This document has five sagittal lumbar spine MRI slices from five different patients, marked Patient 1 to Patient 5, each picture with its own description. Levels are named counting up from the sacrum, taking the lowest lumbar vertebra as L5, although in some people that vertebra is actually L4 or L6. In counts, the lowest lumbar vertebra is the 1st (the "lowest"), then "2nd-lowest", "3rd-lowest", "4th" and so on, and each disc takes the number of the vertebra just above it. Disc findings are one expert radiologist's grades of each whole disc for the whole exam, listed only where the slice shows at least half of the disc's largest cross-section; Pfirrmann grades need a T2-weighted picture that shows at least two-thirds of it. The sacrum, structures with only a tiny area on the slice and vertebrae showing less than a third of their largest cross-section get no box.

Patient 1 of 5:
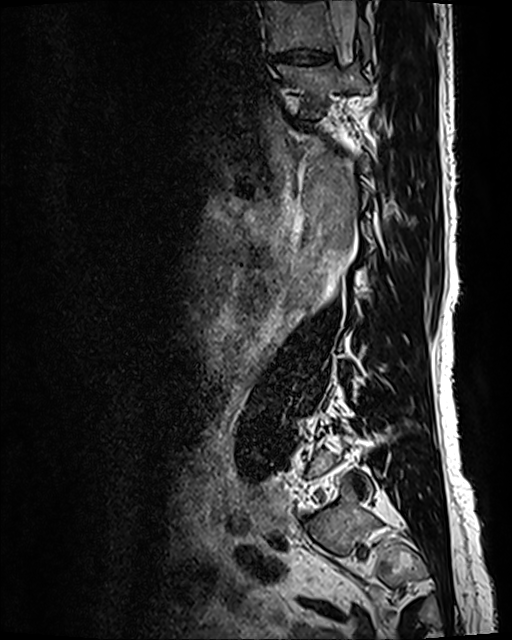 Sex F; Sagittal slice index 100; Sagittal T2 SPACE (3D) lumbar spine MRI
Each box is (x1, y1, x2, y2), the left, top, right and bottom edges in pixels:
T11 (7th vertebra) = (277, 61, 370, 117).
IVD T10/T11 (8th disc) = (268, 49, 331, 63).
T10 (8th vertebra) = (265, 2, 369, 58).
Thecal sac / spinal canal = (331, 1, 357, 47).

Radiological gradings:
- T10/T11 (8th disc): Pfirrmann grade 3, disc narrowing, disc bulging

Patient 2 of 5:
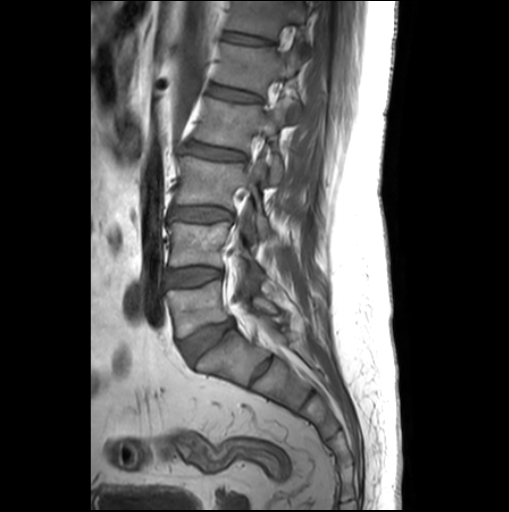 T1-weighted sagittal MRI of the lumbar spine. Slice 10 of 26.
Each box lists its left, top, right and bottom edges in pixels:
IVD T12/L1 at left=225, top=32, right=268, bottom=44; L4/L5 at left=167, top=267, right=222, bottom=286; L4 vertebra at left=170, top=222, right=265, bottom=289; L1/L2 at left=210, top=84, right=260, bottom=101; L5 at left=168, top=281, right=276, bottom=337; IVD L2/L3 at left=185, top=143, right=245, bottom=159; spinal canal at left=233, top=288, right=240, bottom=302; L2 at left=195, top=98, right=286, bottom=183; T12 at left=227, top=1, right=309, bottom=37; IVD L5/S1 at left=181, top=319, right=233, bottom=362; L3 at left=176, top=156, right=268, bottom=235; L1 vertebra at left=215, top=43, right=307, bottom=122; IVD L3/L4 at left=170, top=206, right=232, bottom=221.

Radiological gradings:
  L5/S1: disc bulging
  L2/L3: upper-endplate change, disc bulging, lower-endplate change
  L1/L2: lower-endplate change, upper-endplate change
  T12/L1, L3/L4, L4/L5: no herniation, bulging, narrowing, spondylolisthesis, endplate or Modic change recorded

Patient 3 of 5:
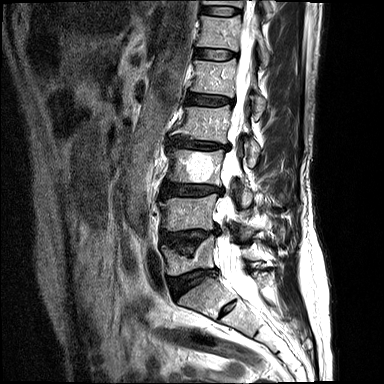 Slice 11 of 17 | Lumbar spine MR, T2-weighted, sagittal | 384x384 px
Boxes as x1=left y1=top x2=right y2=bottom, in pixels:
2nd-lowest disc — x1=162 y1=230 x2=218 y2=253.
6th vertebra — x1=197 y1=15 x2=270 y2=65.
4th disc — x1=172 y1=137 x2=229 y2=150.
6th disc — x1=195 y1=48 x2=237 y2=60.
5th disc — x1=186 y1=93 x2=233 y2=105.
3rd-lowest disc — x1=161 y1=182 x2=223 y2=197.
5th vertebra — x1=190 y1=58 x2=265 y2=119.
4th vertebra — x1=173 y1=105 x2=259 y2=163.
2nd-lowest vertebra — x1=159 y1=194 x2=253 y2=235.
7th disc — x1=201 y1=6 x2=241 y2=16.
Lowest vertebra — x1=161 y1=235 x2=256 y2=275.
Lowest disc — x1=168 y1=268 x2=217 y2=295.
Spinal canal — x1=216 y1=1 x2=258 y2=300.
7th vertebra — x1=203 y1=0 x2=272 y2=17.
3rd-lowest vertebra — x1=167 y1=148 x2=279 y2=205.

Per-level radiological findings:
• 4th disc: Pfirrmann grade 3, lower-endplate change, disc bulging, upper-endplate change, disc narrowing
• 2nd-lowest disc: Pfirrmann grade 4, upper-endplate change, disc bulging, lower-endplate change
• 3rd-lowest disc: Pfirrmann grade 3, upper-endplate change, lower-endplate change, disc bulging
• 6th disc: Pfirrmann grade 2, lower-endplate change, upper-endplate change
• 7th disc: Pfirrmann grade 2
• lowest disc: Pfirrmann grade 4, lower-endplate change, upper-endplate change, disc bulging, disc narrowing
• 5th disc: Pfirrmann grade 3, upper-endplate change, disc bulging, lower-endplate change

Patient 4 of 5:
Slice 9 of 24 | Lumbar spine MR, T1-weighted, sagittal
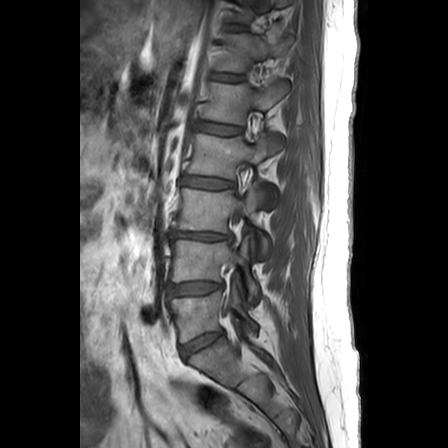

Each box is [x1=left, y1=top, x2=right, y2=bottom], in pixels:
- 7th disc: [x1=230, y1=24, x2=243, y2=29]
- 2nd-lowest vertebra: [x1=172, y1=238, x2=260, y2=298]
- lowest disc: [x1=182, y1=332, x2=224, y2=356]
- 6th disc: [x1=213, y1=73, x2=242, y2=81]
- 3rd-lowest disc: [x1=173, y1=231, x2=231, y2=239]
- 6th vertebra: [x1=217, y1=33, x2=293, y2=71]
- 3rd-lowest vertebra: [x1=174, y1=183, x2=269, y2=257]
- 4th disc: [x1=185, y1=175, x2=234, y2=188]
- lowest vertebra: [x1=172, y1=280, x2=258, y2=342]
- 4th vertebra: [x1=190, y1=134, x2=282, y2=178]
- 5th disc: [x1=198, y1=123, x2=242, y2=134]
- 2nd-lowest disc: [x1=170, y1=282, x2=223, y2=296]
- 5th vertebra: [x1=204, y1=79, x2=289, y2=123]

Expert MSK radiologist gradings (per disc):
• 2nd-lowest disc: disc bulging
• 3rd-lowest disc: Modic type II, upper-endplate change, disc herniation, disc narrowing, lower-endplate change
• 5th disc, 4th disc, lowest disc: no spondylolisthesis, narrowing, bulging, herniation, Modic or endplate change recorded

Patient 5 of 5:
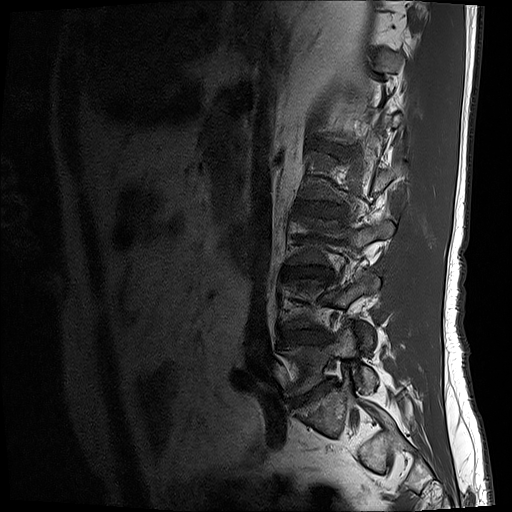 Lumbar spine MR, T1-weighted, sagittal
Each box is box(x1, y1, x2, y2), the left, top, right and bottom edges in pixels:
Structures:
• 5th disc: box(319, 142, 351, 155)
• 2nd-lowest disc: box(281, 330, 326, 342)
• 4th disc: box(296, 202, 343, 217)
• 3rd-lowest disc: box(284, 266, 331, 278)
• lowest vertebra: box(280, 323, 377, 395)
• lowest disc: box(292, 379, 336, 403)

Radiological gradings:
  4th disc: disc bulging
  3rd-lowest disc: disc bulging, lower-endplate change, disc narrowing
  2nd-lowest disc: disc narrowing, disc bulging